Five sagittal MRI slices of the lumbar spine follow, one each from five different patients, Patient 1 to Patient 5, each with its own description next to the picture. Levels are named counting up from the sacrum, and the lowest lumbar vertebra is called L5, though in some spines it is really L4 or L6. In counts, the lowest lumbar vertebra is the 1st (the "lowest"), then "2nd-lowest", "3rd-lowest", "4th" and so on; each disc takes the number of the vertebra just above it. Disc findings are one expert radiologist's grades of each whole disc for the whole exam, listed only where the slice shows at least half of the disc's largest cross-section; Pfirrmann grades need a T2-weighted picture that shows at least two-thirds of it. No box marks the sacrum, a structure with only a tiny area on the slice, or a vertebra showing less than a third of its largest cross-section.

Patient 1 of 5:
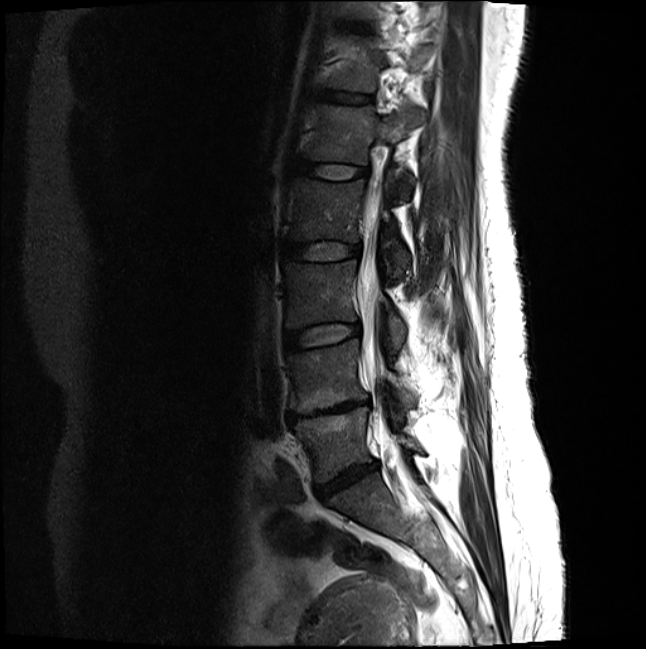 Lumbar spine MR, T2-weighted, sagittal. Slice 8/20.
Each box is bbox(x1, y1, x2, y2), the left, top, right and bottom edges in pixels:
{"thecal sac / spinal canal": "bbox(359, 185, 382, 381)", "L5 vertebra": "bbox(295, 406, 418, 481)", "intervertebral disc L5/S1": "bbox(317, 462, 377, 498)", "T12/L1": "bbox(322, 90, 371, 103)", "L1": "bbox(306, 104, 425, 196)", "L2 vertebra": "bbox(289, 172, 410, 276)", "L4 vertebra": "bbox(288, 339, 416, 413)", "L3/L4": "bbox(285, 323, 360, 350)", "L3 vertebra": "bbox(285, 260, 406, 351)", "L2/L3": "bbox(284, 242, 360, 259)", "L4/L5": "bbox(288, 401, 369, 421)", "intervertebral disc L1/L2": "bbox(296, 160, 366, 179)"}

Radiological gradings:
- L3/L4: Pfirrmann grade 2
- L1/L2: Pfirrmann grade 2
- L5/S1: Pfirrmann grade 4, disc narrowing, disc bulging
- T12/L1: Pfirrmann grade 2
- L4/L5: Pfirrmann grade 5, lower-endplate change, disc bulging, Modic type II, upper-endplate change, disc narrowing
- L2/L3: Pfirrmann grade 2

Patient 2 of 5:
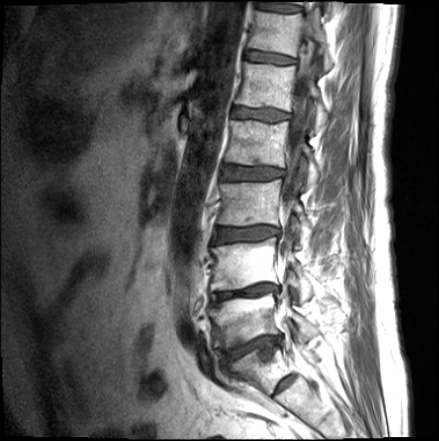 Slice spacing 4.4 mm | T1-weighted sagittal MRI of the lumbar spine | Image 439x441 | Patient sex: M
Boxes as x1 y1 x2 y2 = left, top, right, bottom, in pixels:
{"L1/L2 (5th disc)": "232 106 287 121", "thecal sac / spinal canal": "280 17 314 258", "T12 (6th vertebra)": "248 9 333 70", "L1 (5th vertebra)": "235 62 327 131", "L4/L5 (2nd-lowest disc)": "211 284 278 304", "L5 (lowest vertebra)": "210 289 319 348", "L4 (2nd-lowest vertebra)": "211 238 312 302", "disc T11/T12 (7th disc)": "257 2 300 12", "L5/S1 (lowest disc)": "221 336 281 363", "L2 (4th vertebra)": "225 120 319 188", "L2/L3 (4th disc)": "222 165 283 179", "L3 (3rd-lowest vertebra)": "218 179 313 246", "disc L3/L4 (3rd-lowest disc)": "213 226 279 243", "T12/L1 (6th disc)": "246 51 294 63"}

Degenerative findings by level:
• L2/L3 (4th disc): lower-endplate change, upper-endplate change
• L3/L4 (3rd-lowest disc): disc bulging, upper-endplate change, lower-endplate change
• L5/S1 (lowest disc): upper-endplate change, disc bulging, lower-endplate change, disc narrowing, Modic type II
• L4/L5 (2nd-lowest disc): disc bulging, Modic type II, disc narrowing, lower-endplate change, upper-endplate change
• T12/L1 (6th disc): lower-endplate change, upper-endplate change
• L1/L2 (5th disc): upper-endplate change, lower-endplate change
• T11/T12 (7th disc): no herniation, bulging, narrowing, spondylolisthesis, endplate or Modic change recorded

Patient 3 of 5:
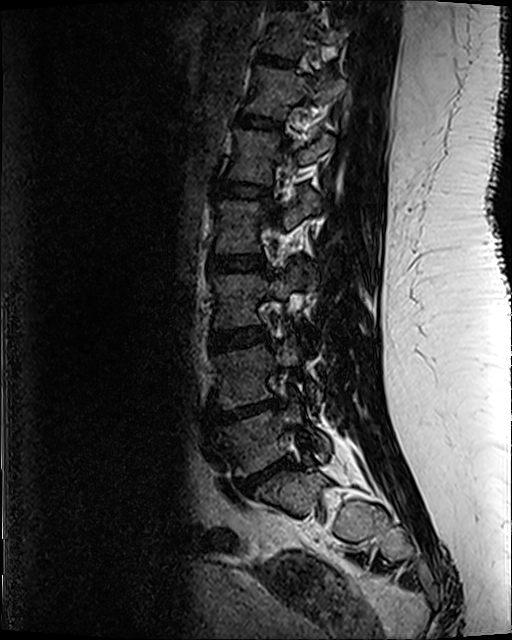
Field of view 240x300 mm, slice spacing 0.9 mm; T2 SPACE (3D) sagittal MRI of the lumbar spine; Image 512x640

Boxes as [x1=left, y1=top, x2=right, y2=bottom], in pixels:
L3: [x1=214, y1=267, x2=315, y2=327].
L2: [x1=214, y1=193, x2=319, y2=253].
T12/L1: [x1=240, y1=114, x2=279, y2=128].
IVD L4/L5: [x1=219, y1=402, x2=276, y2=421].
IVD L3/L4: [x1=211, y1=328, x2=269, y2=350].
T12 vertebra: [x1=250, y1=67, x2=344, y2=116].
L4: [x1=218, y1=335, x2=317, y2=407].
L1: [x1=229, y1=131, x2=333, y2=184].
T11 vertebra: [x1=272, y1=12, x2=347, y2=56].
T11/T12: [x1=260, y1=57, x2=285, y2=63].
IVD L1/L2: [x1=215, y1=183, x2=267, y2=198].
L2/L3: [x1=210, y1=256, x2=263, y2=273].
L5: [x1=215, y1=398, x2=330, y2=474].
T10/T11: [x1=283, y1=0, x2=299, y2=7].
IVD L5/S1: [x1=242, y1=460, x2=293, y2=489].

Degenerative findings by level:
- L2/L3: Pfirrmann grade 3, lower-endplate change, upper-endplate change
- L5/S1: disc narrowing, upper-endplate change, lower-endplate change, disc herniation, Modic type II
- L1/L2: Pfirrmann grade 3, lower-endplate change
- L3/L4: Pfirrmann grade 3
- T12/L1: no spondylolisthesis, narrowing, bulging, herniation, Modic or endplate change recorded

Patient 4 of 5:
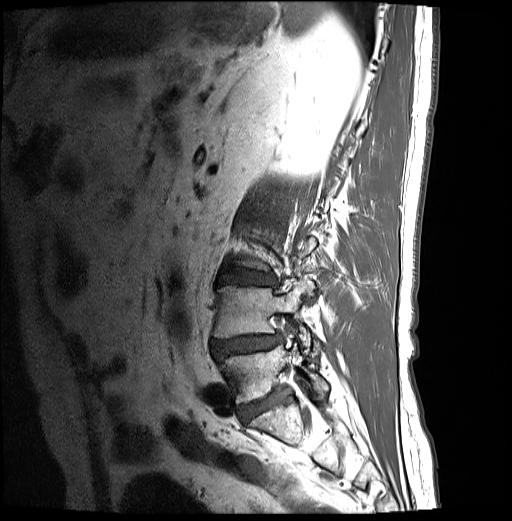 Image 512x521 | T1-weighted sagittal MRI of the lumbar spine
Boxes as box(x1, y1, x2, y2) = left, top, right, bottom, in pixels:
{"L5 vertebra": "box(222, 344, 328, 404)", "intervertebral disc L3/L4": "box(220, 268, 276, 284)", "L4/L5": "box(213, 335, 281, 358)", "L5/S1": "box(239, 392, 284, 422)", "L4 vertebra": "box(214, 280, 319, 358)"}

Degenerative findings by level:
  L4/L5: disc bulging, upper-endplate change, spondylolisthesis, lower-endplate change, Modic type II, disc herniation, disc narrowing
  L3/L4: upper-endplate change, disc bulging, lower-endplate change
  L5/S1: no spondylolisthesis, narrowing, bulging, herniation, Modic or endplate change recorded

Patient 5 of 5:
MRI lumbar spine (T2 SPACE (3D)), sagittal plane

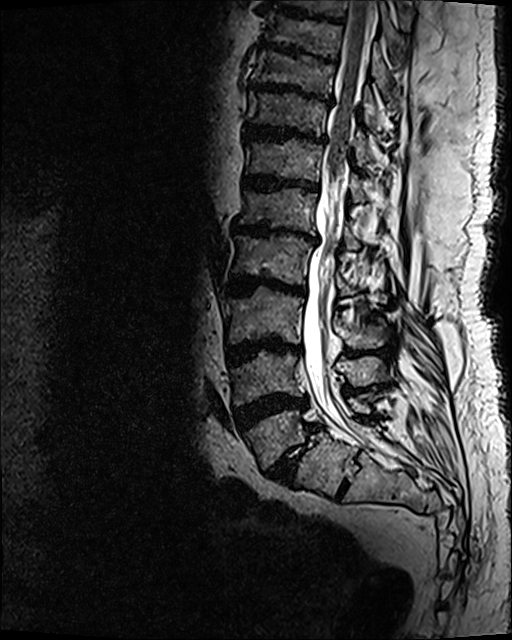 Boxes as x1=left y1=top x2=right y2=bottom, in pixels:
L5 vertebra: x1=243 y1=392 x2=375 y2=468.
T11/T12: x1=243 y1=122 x2=327 y2=143.
Intervertebral disc T9/T10: x1=256 y1=44 x2=336 y2=62.
L3: x1=222 y1=287 x2=385 y2=349.
Intervertebral disc L5/S1: x1=267 y1=425 x2=318 y2=483.
L2/L3: x1=228 y1=274 x2=305 y2=295.
L4/L5: x1=231 y1=393 x2=309 y2=432.
T12: x1=245 y1=138 x2=368 y2=202.
Thecal sac / spinal canal: x1=303 y1=1 x2=377 y2=446.
T10 vertebra: x1=253 y1=49 x2=377 y2=122.
L3/L4: x1=225 y1=337 x2=301 y2=365.
L4: x1=231 y1=351 x2=388 y2=405.
T12/L1: x1=242 y1=174 x2=320 y2=193.
L1: x1=237 y1=187 x2=361 y2=250.
L2: x1=232 y1=233 x2=386 y2=300.
T11 vertebra: x1=248 y1=90 x2=374 y2=165.
Intervertebral disc T10/T11: x1=248 y1=81 x2=327 y2=103.
L1/L2: x1=229 y1=221 x2=318 y2=242.

Radiological gradings:
  T10/T11: Modic type II, disc bulging, lower-endplate change, disc narrowing, upper-endplate change
  L4/L5: Pfirrmann grade 5, lower-endplate change, upper-endplate change, disc bulging, Modic type II, disc narrowing
  L5/S1: Pfirrmann grade 5, lower-endplate change, disc narrowing, upper-endplate change, Modic type II, spondylolisthesis, disc bulging
  L2/L3: Pfirrmann grade 5, upper-endplate change, Modic type II, lower-endplate change, disc bulging, disc narrowing
  L3/L4: Pfirrmann grade 5, lower-endplate change, Modic type II, upper-endplate change, disc bulging, disc narrowing
  T12/L1: Pfirrmann grade 5, disc bulging, Modic type II, upper-endplate change, lower-endplate change, disc narrowing
  T11/T12: Pfirrmann grade 5, Modic type II, disc narrowing, lower-endplate change, upper-endplate change, disc bulging
  L1/L2: upper-endplate change, disc bulging, Modic type II, disc narrowing, lower-endplate change